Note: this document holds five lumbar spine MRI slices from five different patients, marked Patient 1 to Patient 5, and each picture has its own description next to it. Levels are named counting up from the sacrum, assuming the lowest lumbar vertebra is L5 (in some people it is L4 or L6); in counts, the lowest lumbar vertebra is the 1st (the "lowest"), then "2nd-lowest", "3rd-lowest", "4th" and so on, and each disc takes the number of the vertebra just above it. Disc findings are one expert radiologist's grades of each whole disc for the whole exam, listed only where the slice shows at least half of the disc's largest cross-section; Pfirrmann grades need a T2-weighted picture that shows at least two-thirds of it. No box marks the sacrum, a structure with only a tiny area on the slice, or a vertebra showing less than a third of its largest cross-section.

Patient 1 of 5:
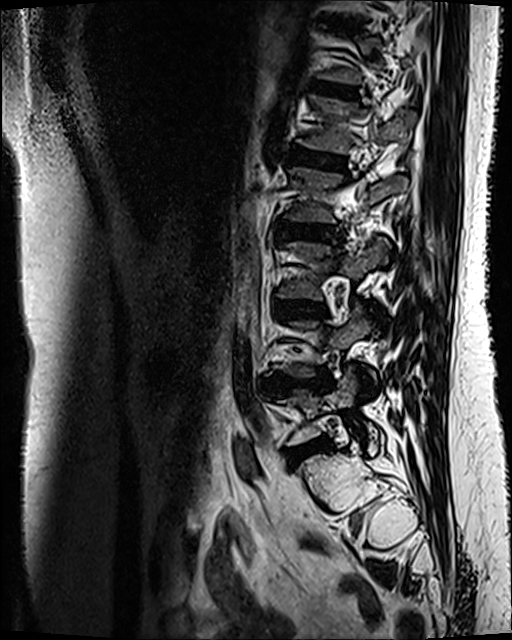
Sex F; MRI lumbar spine (T2 SPACE (3D)), sagittal plane

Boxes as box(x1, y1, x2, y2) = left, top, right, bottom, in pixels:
5th vertebra at box(298, 96, 414, 153); lowest disc at box(289, 437, 330, 463); 6th disc at box(312, 82, 358, 98); 4th disc at box(280, 224, 343, 242); 3rd-lowest disc at box(275, 301, 326, 317); lowest vertebra at box(275, 376, 378, 444); 5th disc at box(288, 147, 346, 170); 3rd-lowest vertebra at box(278, 242, 387, 299); 2nd-lowest disc at box(261, 375, 329, 393).

Degenerative findings by level:
• 5th disc: Pfirrmann grade 3, Modic type II
• 4th disc: Pfirrmann grade 3, Modic type II, disc bulging
• 3rd-lowest disc: Pfirrmann grade 3, Modic type II, disc bulging
• 6th disc: Modic type II

Patient 2 of 5:
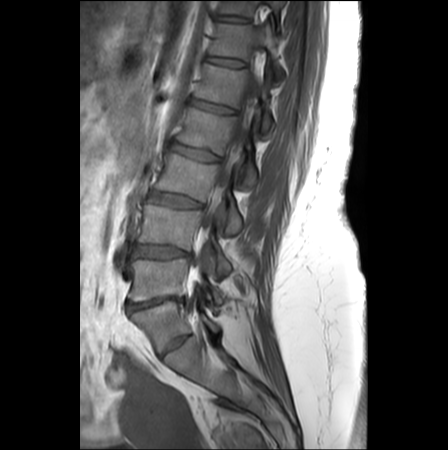 448x450 px, Patient sex: F, Lumbar spine MR, T1-weighted, sagittal

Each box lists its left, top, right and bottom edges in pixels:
Spinal canal at left=192, top=73, right=259, bottom=287; disc T11/T12 (7th disc) at left=218, top=16, right=243, bottom=21; T12 (6th vertebra) at left=209, top=24, right=276, bottom=59; L2 (4th vertebra) at left=176, top=108, right=256, bottom=191; L5/S1 (lowest disc) at left=126, top=297, right=183, bottom=312; T12/L1 (6th disc) at left=207, top=57, right=241, bottom=67; L1/L2 (5th disc) at left=189, top=98, right=232, bottom=114; disc L2/L3 (4th disc) at left=168, top=142, right=218, bottom=160; L5 (lowest vertebra) at left=128, top=259, right=221, bottom=303; L4 (2nd-lowest vertebra) at left=138, top=205, right=231, bottom=274; disc L4/L5 (2nd-lowest disc) at left=133, top=244, right=189, bottom=259; T11 (7th vertebra) at left=220, top=1, right=281, bottom=15; L1 (5th vertebra) at left=194, top=63, right=270, bottom=131; disc L3/L4 (3rd-lowest disc) at left=147, top=191, right=200, bottom=207; L3 (3rd-lowest vertebra) at left=155, top=153, right=241, bottom=234.

Expert MSK radiologist gradings (per disc):
• L1/L2 (5th disc): upper-endplate change, lower-endplate change
• L5/S1 (lowest disc): disc bulging, disc narrowing, spondylolisthesis, Modic type II
• L3/L4 (3rd-lowest disc): disc bulging, Modic type II
• L4/L5 (2nd-lowest disc): disc bulging, disc herniation
• L2/L3 (4th disc): lower-endplate change, upper-endplate change
• T12/L1 (6th disc), T11/T12 (7th disc): no spondylolisthesis, narrowing, bulging, herniation, Modic or endplate change recorded

Patient 3 of 5:
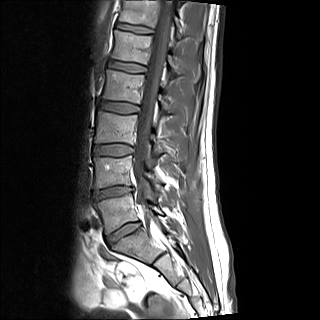

Lumbar spine MR, T1-weighted, sagittal | Slice 8/15

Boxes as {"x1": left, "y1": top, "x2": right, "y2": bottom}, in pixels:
Segmented structures:
- L3: {"x1": 95, "y1": 111, "x2": 162, "y2": 153}
- T12 vertebra: {"x1": 120, "y1": 0, "x2": 183, "y2": 38}
- disc L5/S1: {"x1": 106, "y1": 222, "x2": 140, "y2": 246}
- disc L1/L2: {"x1": 108, "y1": 60, "x2": 145, "y2": 72}
- spinal canal: {"x1": 134, "y1": 0, "x2": 172, "y2": 222}
- L3/L4: {"x1": 94, "y1": 144, "x2": 131, "y2": 156}
- L4 vertebra: {"x1": 94, "y1": 156, "x2": 160, "y2": 189}
- L2/L3: {"x1": 99, "y1": 101, "x2": 138, "y2": 113}
- disc T12/L1: {"x1": 117, "y1": 22, "x2": 152, "y2": 33}
- disc L4/L5: {"x1": 94, "y1": 186, "x2": 133, "y2": 200}
- L2: {"x1": 103, "y1": 69, "x2": 171, "y2": 112}
- L1: {"x1": 111, "y1": 30, "x2": 179, "y2": 73}
- L5: {"x1": 95, "y1": 193, "x2": 161, "y2": 233}

Degenerative findings by level:
- L5/S1: disc bulging
- L4/L5: disc herniation, disc narrowing
- L1/L2, T12/L1, L2/L3, L3/L4: no spondylolisthesis, narrowing, bulging, herniation, Modic or endplate change recorded

Patient 4 of 5:
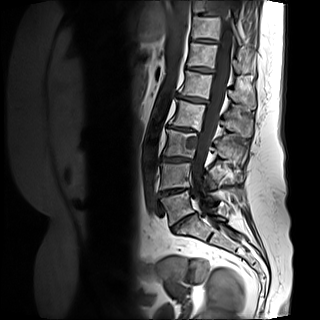 Lumbar spine MR, T1-weighted, sagittal | Slice 6/15

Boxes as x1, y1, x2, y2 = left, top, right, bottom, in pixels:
L4/L5 — 160, 188, 190, 196 | thecal sac / spinal canal — 192, 0, 239, 238 | L2/L3 — 168, 125, 195, 131 | T11 vertebra — 192, 17, 241, 45 | T11/T12 — 192, 39, 216, 42 | L1/L2 — 177, 94, 206, 102 | T12 vertebra — 188, 43, 240, 73 | L4 — 160, 163, 216, 190 | disc T12/L1 — 187, 67, 212, 72 | L3/L4 — 161, 156, 191, 162 | L5 vertebra — 161, 191, 212, 225 | L3 vertebra — 163, 129, 243, 157 | L1 vertebra — 179, 71, 256, 108 | L2 vertebra — 169, 99, 252, 136 | disc L5/S1 — 171, 214, 193, 232

Expert MSK radiologist gradings (per disc):
• L5/S1: lower-endplate change, upper-endplate change, Modic type II, disc bulging, disc narrowing
• L1/L2: disc narrowing, Modic type II, upper-endplate change, lower-endplate change, disc bulging
• L3/L4: Modic type II, lower-endplate change, disc bulging, disc narrowing, upper-endplate change
• L2/L3: upper-endplate change, lower-endplate change, disc narrowing, disc bulging, Modic type II
• L4/L5: disc bulging, Modic type II, lower-endplate change, disc narrowing, upper-endplate change
• T12/L1, T11/T12: no spondylolisthesis, narrowing, bulging, herniation, Modic or endplate change recorded

Patient 5 of 5:
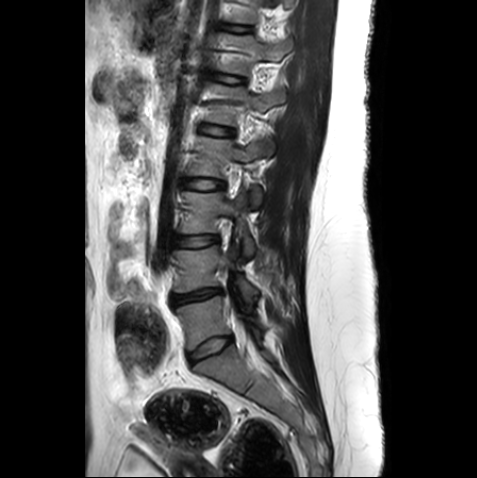 Lumbar spine MR, T2-weighted, sagittal, Image 477x478

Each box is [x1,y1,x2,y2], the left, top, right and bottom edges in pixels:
L5 (lowest vertebra) = [177,296,262,349].
T12 (6th vertebra) = [220,34,293,74].
L4 (2nd-lowest vertebra) = [175,246,256,300].
Intervertebral disc T12/L1 (6th disc) = [211,73,244,83].
L2 (4th vertebra) = [189,137,264,208].
L2/L3 (4th disc) = [182,178,222,189].
L1 (5th vertebra) = [209,85,285,156].
L3 (3rd-lowest vertebra) = [181,192,254,256].
Intervertebral disc L1/L2 (5th disc) = [200,124,232,135].
L3/L4 (3rd-lowest disc) = [176,235,218,246].
Thecal sac / spinal canal = [236,321,248,345].
T11/T12 (7th disc) = [220,23,249,32].
Intervertebral disc L4/L5 (2nd-lowest disc) = [172,288,222,304].
L5/S1 (lowest disc) = [189,337,232,363].

Per-level radiological findings:
• L1/L2 (5th disc): Pfirrmann grade 1
• L3/L4 (3rd-lowest disc): Pfirrmann grade 1
• T11/T12 (7th disc): Pfirrmann grade 1
• L5/S1 (lowest disc): Pfirrmann grade 1
• T12/L1 (6th disc): Pfirrmann grade 1
• L2/L3 (4th disc): Pfirrmann grade 1
• L4/L5 (2nd-lowest disc): Pfirrmann grade 3, disc bulging, disc narrowing